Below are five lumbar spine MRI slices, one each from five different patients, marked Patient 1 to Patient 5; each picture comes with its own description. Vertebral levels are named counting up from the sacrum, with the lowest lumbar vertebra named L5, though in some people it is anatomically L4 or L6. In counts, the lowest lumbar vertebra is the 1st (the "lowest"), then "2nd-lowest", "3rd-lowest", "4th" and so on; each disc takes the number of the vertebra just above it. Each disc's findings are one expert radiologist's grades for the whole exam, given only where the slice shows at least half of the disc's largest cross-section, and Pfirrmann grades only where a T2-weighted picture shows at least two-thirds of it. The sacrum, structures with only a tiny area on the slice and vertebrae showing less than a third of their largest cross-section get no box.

Patient 1 of 5:
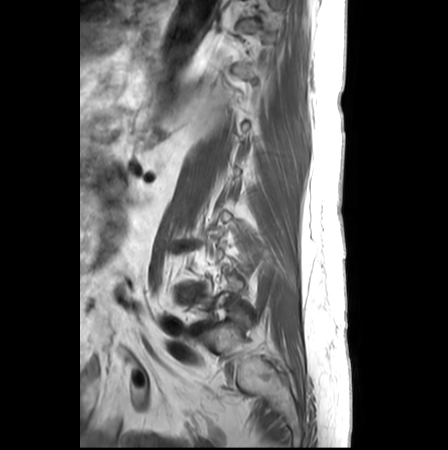 Sagittal slice index 20; Image 448x450; Sagittal T1-weighted lumbar spine MRI

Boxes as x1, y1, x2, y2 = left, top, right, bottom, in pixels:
2nd-lowest disc = 178, 287, 197, 295.
Lowest disc = 193, 325, 205, 332.

Patient 2 of 5:
Sex F. Sagittal slice index 9. Sagittal T2-weighted lumbar spine MRI. Field of view 260x260 mm.
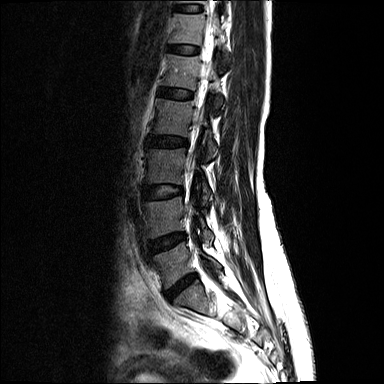

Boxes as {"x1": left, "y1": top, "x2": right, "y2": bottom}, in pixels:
Segmented structures:
* L3: {"x1": 146, "y1": 148, "x2": 212, "y2": 205}
* intervertebral disc L1/L2: {"x1": 161, "y1": 89, "x2": 191, "y2": 98}
* L1 vertebra: {"x1": 164, "y1": 54, "x2": 222, "y2": 108}
* L5/S1: {"x1": 167, "y1": 275, "x2": 195, "y2": 299}
* intervertebral disc L2/L3: {"x1": 147, "y1": 136, "x2": 186, "y2": 146}
* L2 vertebra: {"x1": 153, "y1": 99, "x2": 217, "y2": 159}
* L4/L5: {"x1": 150, "y1": 233, "x2": 184, "y2": 253}
* T12 vertebra: {"x1": 171, "y1": 14, "x2": 229, "y2": 59}
* thecal sac / spinal canal: {"x1": 199, "y1": 50, "x2": 211, "y2": 110}
* T12/L1: {"x1": 169, "y1": 45, "x2": 199, "y2": 53}
* L5: {"x1": 153, "y1": 242, "x2": 220, "y2": 288}
* L4 vertebra: {"x1": 145, "y1": 197, "x2": 213, "y2": 246}
* L3/L4: {"x1": 143, "y1": 185, "x2": 182, "y2": 199}

Per-level radiological findings:
• L4/L5: Pfirrmann grade 3
• T12/L1: Pfirrmann grade 2
• L2/L3: Pfirrmann grade 3, disc bulging
• L1/L2: Pfirrmann grade 2
• L3/L4: Pfirrmann grade 2

Patient 3 of 5:
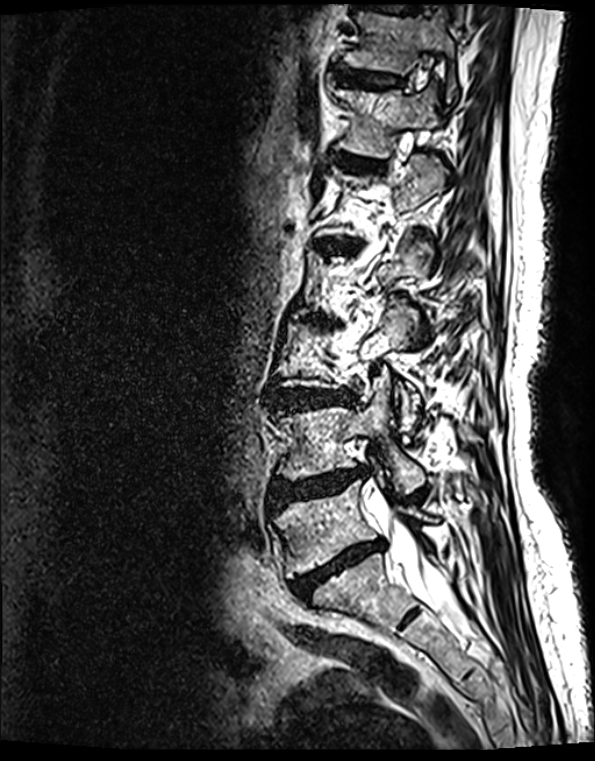 Image 595x761 | Sagittal T2 SPACE (3D) lumbar spine MRI | Patient sex: F
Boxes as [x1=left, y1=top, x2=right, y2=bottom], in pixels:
{"L5": "[x1=273, y1=476, x2=433, y2=578]", "disc L4/L5": "[x1=272, y1=468, x2=364, y2=506]", "T12": "[x1=337, y1=86, x2=440, y2=158]", "L5/S1": "[x1=293, y1=541, x2=383, y2=598]", "L4 vertebra": "[x1=277, y1=375, x2=424, y2=492]", "L3/L4": "[x1=277, y1=389, x2=352, y2=408]", "disc T12/L1": "[x1=337, y1=154, x2=378, y2=171]", "T11 vertebra": "[x1=342, y1=10, x2=457, y2=102]", "T11/T12": "[x1=336, y1=71, x2=401, y2=89]", "spinal canal": "[x1=373, y1=498, x2=462, y2=622]"}

Degenerative findings by level:
- L5/S1: Pfirrmann grade 5, lower-endplate change, disc narrowing, disc bulging, Modic type II, upper-endplate change
- L3/L4: Pfirrmann grade 4, disc narrowing, lower-endplate change, upper-endplate change, disc bulging, Modic type II
- T11/T12: Pfirrmann grade 2, upper-endplate change, Modic type II, lower-endplate change
- L4/L5: Pfirrmann grade 4, lower-endplate change, disc bulging, disc herniation, upper-endplate change, disc narrowing, Modic type II

Patient 4 of 5:
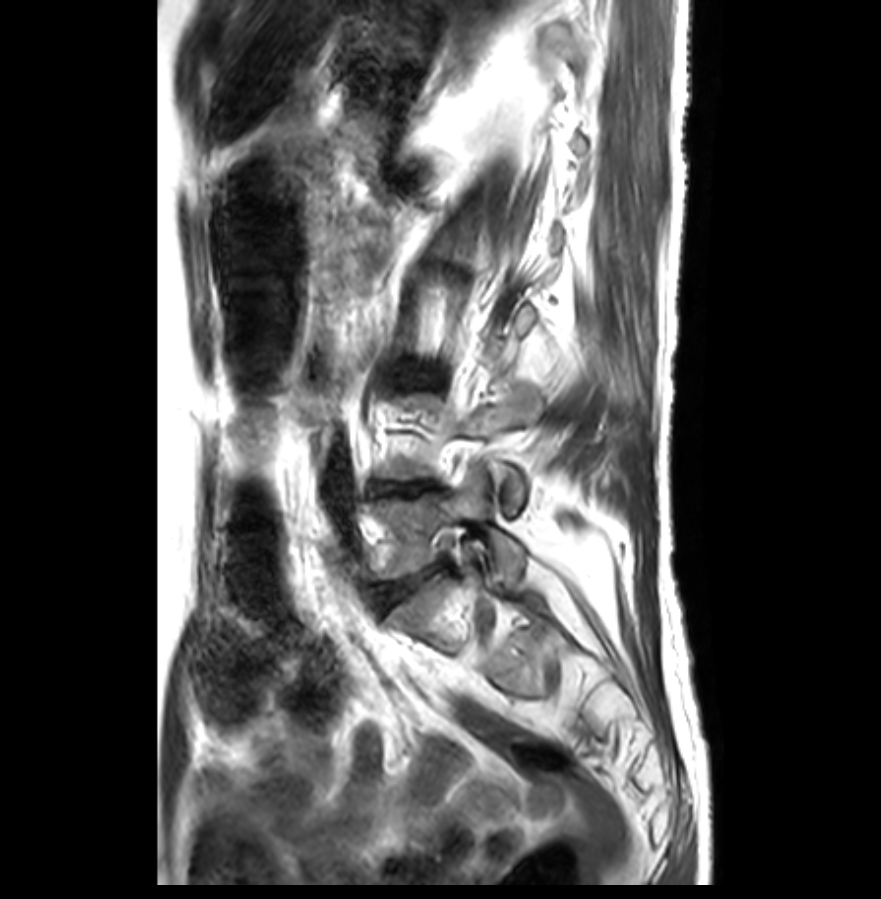

Lumbar spine MR, T2-weighted, sagittal, 881x899 px
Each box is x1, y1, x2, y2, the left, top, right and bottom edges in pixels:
L5 vertebra at 374, 468, 524, 581.
Intervertebral disc L4/L5 at 376, 483, 430, 494.
Intervertebral disc L5/S1 at 378, 571, 430, 609.
Intervertebral disc L3/L4 at 403, 365, 440, 387.

Patient 5 of 5:
MRI lumbar spine (T2-weighted), sagittal plane, Sex F 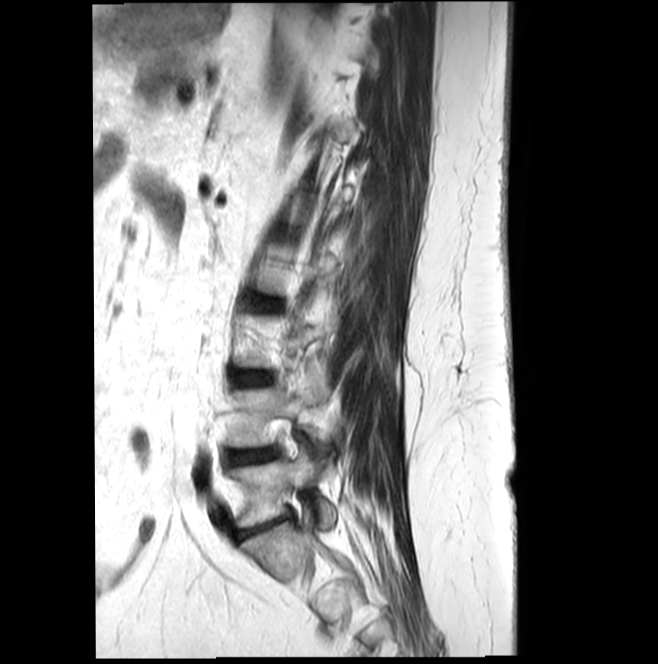

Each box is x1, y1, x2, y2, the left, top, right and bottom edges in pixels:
Segmented structures:
* 4th disc — 258, 299, 276, 308
* lowest vertebra — 228, 449, 336, 528
* 2nd-lowest disc — 225, 447, 278, 466
* lowest disc — 237, 519, 284, 539
* 2nd-lowest vertebra — 228, 369, 329, 463
* 3rd-lowest disc — 236, 372, 270, 384

Radiological gradings:
- 2nd-lowest disc: disc narrowing